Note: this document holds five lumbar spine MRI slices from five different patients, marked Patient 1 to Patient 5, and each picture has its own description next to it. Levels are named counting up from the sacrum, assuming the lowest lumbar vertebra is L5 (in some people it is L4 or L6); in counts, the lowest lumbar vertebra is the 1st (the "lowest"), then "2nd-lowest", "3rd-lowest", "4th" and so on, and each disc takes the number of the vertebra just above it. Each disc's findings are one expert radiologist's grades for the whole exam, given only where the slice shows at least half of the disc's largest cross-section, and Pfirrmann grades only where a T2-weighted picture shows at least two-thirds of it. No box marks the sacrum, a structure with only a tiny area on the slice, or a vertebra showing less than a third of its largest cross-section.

Patient 1 of 5:
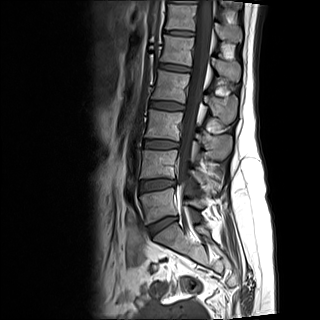
Lumbar spine MR, T1-weighted, sagittal, Sagittal slice index 5
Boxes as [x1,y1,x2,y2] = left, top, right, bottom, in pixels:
• 5th disc — [158,63,189,71]
• 2nd-lowest vertebra — [140,150,220,190]
• 3rd-lowest disc — [145,140,179,148]
• lowest disc — [149,217,176,235]
• 6th disc — [165,30,194,35]
• 6th vertebra — [166,4,242,42]
• lowest vertebra — [141,188,203,223]
• spinal canal — [178,0,212,185]
• 5th vertebra — [160,35,240,81]
• 2nd-lowest disc — [140,180,175,191]
• 3rd-lowest vertebra — [146,109,232,161]
• 4th vertebra — [152,70,237,123]
• 4th disc — [150,101,183,109]

Per-level radiological findings:
• lowest disc: disc bulging
• 2nd-lowest disc: Modic type II, disc bulging
• 6th disc, 3rd-lowest disc, 5th disc, 4th disc: no Modic or endplate change, herniation, narrowing, bulging or spondylolisthesis recorded

Patient 2 of 5:
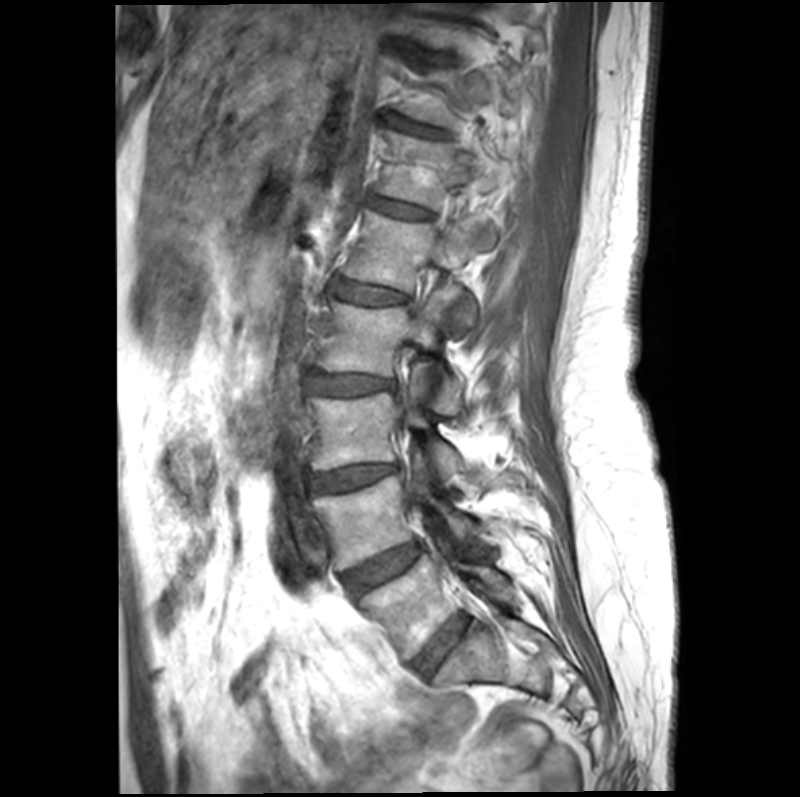 Sagittal T1-weighted lumbar spine MRI, Image 800x797, Slice 8/21
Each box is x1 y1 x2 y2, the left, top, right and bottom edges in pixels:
Structures:
- disc L1/L2: 336 278 405 304
- T12/L1: 366 195 430 217
- disc L5/S1: 413 617 465 675
- L4 vertebra: 314 461 478 570
- L2: 317 286 462 414
- disc L2/L3: 307 371 391 394
- L1 vertebra: 343 210 496 326
- L3/L4: 310 464 396 491
- L4/L5: 343 546 420 595
- T12 vertebra: 375 131 500 206
- disc T11/T12: 392 117 439 135
- L5: 359 556 509 659
- L3: 310 373 464 483

Degenerative findings by level:
• L1/L2: Modic type II, lower-endplate change, upper-endplate change
• L2/L3: Modic type II, disc bulging, lower-endplate change, upper-endplate change
• T12/L1: Modic type II
• L3/L4: Modic type II, disc narrowing, disc bulging, upper-endplate change, lower-endplate change
• L4/L5: Modic type II
• L5/S1: Modic type II
• T11/T12: no Modic or endplate change, herniation, narrowing, bulging or spondylolisthesis recorded

Patient 3 of 5:
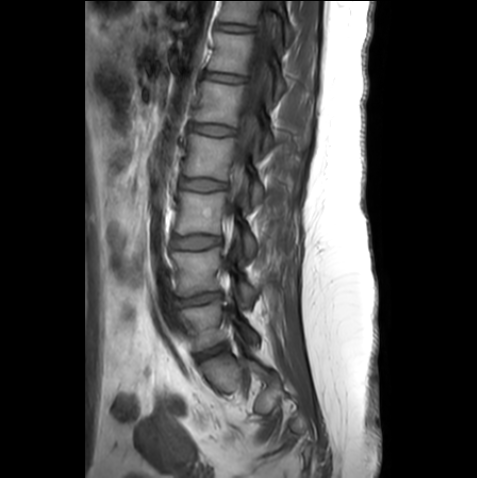
Image 477x478; T1-weighted sagittal MRI of the lumbar spine
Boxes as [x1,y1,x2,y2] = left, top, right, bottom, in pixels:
Structures:
- L5/S1: [197,343,226,361]
- IVD L4/L5: [175,292,220,306]
- L5 vertebra: [180,301,258,350]
- L3 vertebra: [176,192,255,256]
- T12: [209,32,287,98]
- T12/L1: [205,71,245,82]
- thecal sac / spinal canal: [226,21,271,227]
- IVD L1/L2: [189,123,235,135]
- L2: [184,134,263,205]
- L3/L4: [172,235,220,248]
- L4 vertebra: [172,247,259,304]
- IVD T11/T12: [216,22,253,31]
- IVD L2/L3: [180,178,226,190]
- L1: [194,81,308,155]
- T11 vertebra: [219,1,294,45]

Per-level radiological findings:
• L4/L5: disc bulging, disc narrowing
• T11/T12, L2/L3, T12/L1, L3/L4, L1/L2: no spondylolisthesis, narrowing, bulging, herniation, Modic or endplate change recorded

Patient 4 of 5:
Sagittal slice index 11. Sagittal T2-weighted lumbar spine MRI. 512x512 px.
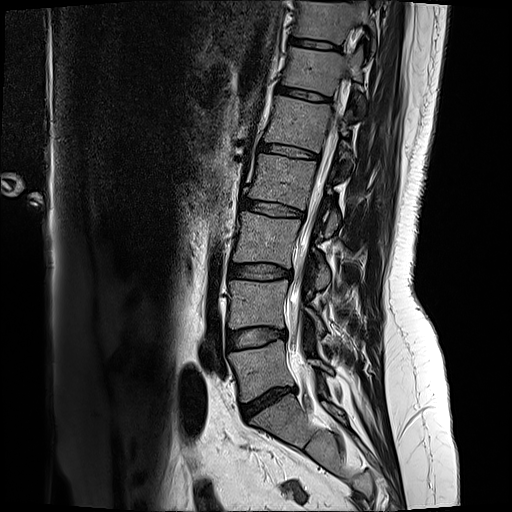

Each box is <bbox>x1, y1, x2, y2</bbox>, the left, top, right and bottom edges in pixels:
{"7th vertebra": "<bbox>294, 2, 374, 43</bbox>", "3rd-lowest vertebra": "<bbox>234, 212, 329, 289</bbox>", "spinal canal": "<bbox>291, 115, 340, 349</bbox>", "6th disc": "<bbox>278, 86, 330, 104</bbox>", "2nd-lowest vertebra": "<bbox>230, 280, 324, 335</bbox>", "3rd-lowest disc": "<bbox>230, 263, 289, 278</bbox>", "4th vertebra": "<bbox>249, 155, 339, 237</bbox>", "2nd-lowest disc": "<bbox>228, 328, 285, 349</bbox>", "5th disc": "<bbox>262, 144, 317, 158</bbox>", "lowest vertebra": "<bbox>231, 340, 332, 400</bbox>", "lowest disc": "<bbox>242, 388, 293, 420</bbox>", "4th disc": "<bbox>242, 199, 304, 217</bbox>", "6th vertebra": "<bbox>283, 47, 362, 94</bbox>", "5th vertebra": "<bbox>266, 96, 348, 152</bbox>", "7th disc": "<bbox>290, 39, 338, 50</bbox>"}

Expert MSK radiologist gradings (per disc):
  5th disc: Pfirrmann grade 2, upper-endplate change, lower-endplate change
  4th disc: Pfirrmann grade 4, lower-endplate change, upper-endplate change, disc bulging
  lowest disc: Pfirrmann grade 1, disc narrowing, disc herniation, disc bulging
  2nd-lowest disc: Pfirrmann grade 2, disc bulging
  6th disc: Pfirrmann grade 2, lower-endplate change, upper-endplate change
  3rd-lowest disc: Pfirrmann grade 2, disc bulging
  7th disc: Pfirrmann grade 2

Patient 5 of 5:
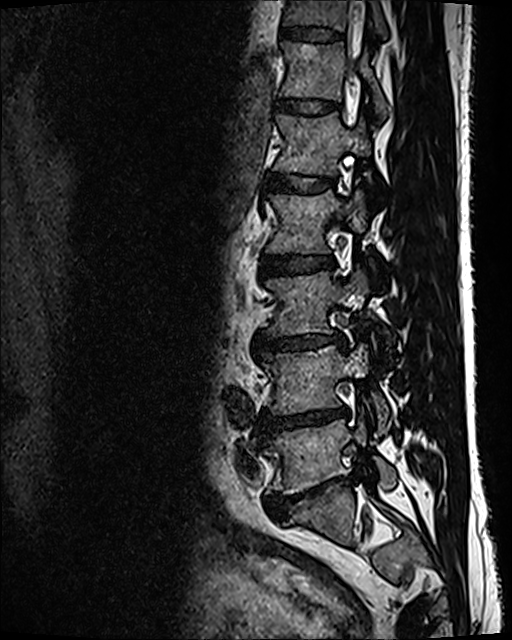 Sagittal slice index 41 | Lumbar spine MR, T2 SPACE (3D), sagittal
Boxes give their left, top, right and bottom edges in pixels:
{"spinal canal": "left=357, top=1, right=365, bottom=15", "L4 (2nd-lowest vertebra)": "left=261, top=343, right=391, bottom=434", "IVD L5/S1 (lowest disc)": "left=268, top=478, right=339, bottom=517", "T11 (7th vertebra)": "left=281, top=0, right=388, bottom=40", "L1 (5th vertebra)": "left=275, top=112, right=369, bottom=175", "T12 (6th vertebra)": "left=280, top=41, right=386, bottom=115", "L3 (3rd-lowest vertebra)": "left=268, top=270, right=372, bottom=334", "IVD T11/T12 (7th disc)": "left=279, top=26, right=343, bottom=41", "L5 (lowest vertebra)": "left=264, top=417, right=396, bottom=494", "L4/L5 (2nd-lowest disc)": "left=262, top=407, right=346, bottom=433", "L2 (4th vertebra)": "left=266, top=180, right=372, bottom=254", "IVD T12/L1 (6th disc)": "left=276, top=98, right=337, bottom=114", "IVD L3/L4 (3rd-lowest disc)": "left=258, top=334, right=344, bottom=350", "IVD L1/L2 (5th disc)": "left=269, top=174, right=334, bottom=192", "L2/L3 (4th disc)": "left=261, top=255, right=331, bottom=276"}

Radiological gradings:
- L3/L4 (3rd-lowest disc): Pfirrmann grade 3, disc narrowing, disc bulging
- L1/L2 (5th disc): Pfirrmann grade 2
- L2/L3 (4th disc): Pfirrmann grade 2
- T12/L1 (6th disc): Pfirrmann grade 2
- T11/T12 (7th disc): Pfirrmann grade 2
- L4/L5 (2nd-lowest disc): Pfirrmann grade 5, lower-endplate change, disc narrowing, Modic type II, disc bulging